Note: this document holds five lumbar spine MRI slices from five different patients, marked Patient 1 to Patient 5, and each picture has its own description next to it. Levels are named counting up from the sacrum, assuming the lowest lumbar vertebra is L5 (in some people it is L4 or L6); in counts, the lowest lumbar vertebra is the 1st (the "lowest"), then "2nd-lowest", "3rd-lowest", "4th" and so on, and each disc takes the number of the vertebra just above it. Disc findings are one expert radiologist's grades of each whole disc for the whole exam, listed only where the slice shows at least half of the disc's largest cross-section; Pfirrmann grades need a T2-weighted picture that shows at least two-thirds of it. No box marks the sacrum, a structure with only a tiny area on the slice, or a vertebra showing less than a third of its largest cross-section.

Patient 1 of 5:
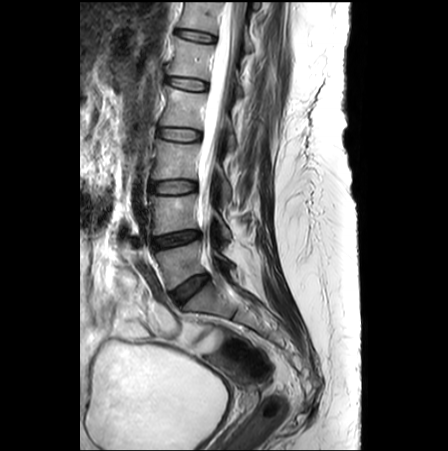
Slice spacing 3.3 mm. T2-weighted sagittal MRI of the lumbar spine. Slice 11/26. Patient sex: F.
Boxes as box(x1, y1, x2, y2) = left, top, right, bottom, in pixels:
{"L2 (4th vertebra)": "box(160, 86, 235, 149)", "L3 (3rd-lowest vertebra)": "box(152, 139, 230, 202)", "L1 (5th vertebra)": "box(166, 36, 245, 97)", "IVD L2/L3 (4th disc)": "box(158, 128, 201, 140)", "IVD T12/L1 (6th disc)": "box(177, 30, 215, 42)", "IVD L1/L2 (5th disc)": "box(167, 76, 206, 90)", "IVD L4/L5 (2nd-lowest disc)": "box(152, 231, 200, 248)", "L3/L4 (3rd-lowest disc)": "box(150, 181, 196, 193)", "T12 (6th vertebra)": "box(180, 2, 253, 51)", "L5 (lowest vertebra)": "box(155, 241, 233, 289)", "IVD L5/S1 (lowest disc)": "box(172, 274, 208, 303)", "L4 (2nd-lowest vertebra)": "box(149, 194, 231, 239)", "spinal canal": "box(199, 0, 244, 212)"}

Degenerative findings by level:
• L1/L2 (5th disc): Pfirrmann grade 1, Modic type II, upper-endplate change, lower-endplate change
• L5/S1 (lowest disc): Pfirrmann grade 3
• L4/L5 (2nd-lowest disc): Pfirrmann grade 4, disc narrowing
• T12/L1 (6th disc): Pfirrmann grade 1
• L3/L4 (3rd-lowest disc): Pfirrmann grade 1
• L2/L3 (4th disc): Pfirrmann grade 1

Patient 2 of 5:
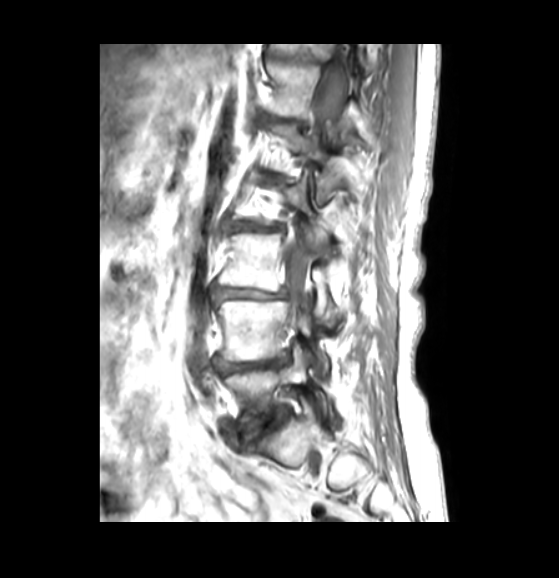
Sagittal T1-weighted lumbar spine MRI.
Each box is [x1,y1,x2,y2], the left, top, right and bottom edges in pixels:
{"6th disc": "[266,116,305,126]", "lowest vertebra": "[223,355,331,422]", "6th vertebra": "[263,61,366,130]", "5th vertebra": "[271,123,370,197]", "2nd-lowest disc": "[216,356,287,372]", "4th vertebra": "[230,179,356,247]", "3rd-lowest disc": "[215,287,284,298]", "3rd-lowest vertebra": "[220,233,344,326]", "thecal sac / spinal canal": "[283,62,346,316]", "4th disc": "[230,221,277,230]", "7th disc": "[268,53,321,63]", "7th vertebra": "[270,42,334,59]", "2nd-lowest vertebra": "[218,300,329,373]", "lowest disc": "[245,408,287,441]"}

Radiological gradings:
- 2nd-lowest disc: disc bulging
- 3rd-lowest disc: disc bulging, disc narrowing
- 7th disc: disc narrowing

Patient 3 of 5:
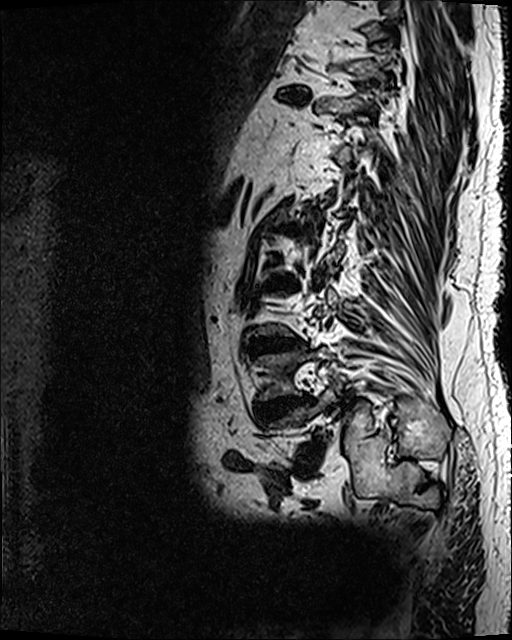 Image 512x640; Slice 34 of 120; MRI lumbar spine (T2 SPACE (3D)), sagittal plane
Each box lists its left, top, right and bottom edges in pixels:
2nd-lowest disc: left=254, top=395, right=314, bottom=423.
Lowest disc: left=296, top=443, right=323, bottom=474.
3rd-lowest disc: left=250, top=337, right=302, bottom=355.
4th disc: left=267, top=277, right=299, bottom=291.
5th disc: left=274, top=225, right=309, bottom=238.
2nd-lowest vertebra: left=254, top=347, right=331, bottom=400.
8th disc: left=277, top=86, right=309, bottom=103.

Radiological gradings:
  3rd-lowest disc: disc narrowing, Modic type II, lower-endplate change, disc bulging, upper-endplate change
  2nd-lowest disc: upper-endplate change, Modic type II, disc bulging, disc narrowing, lower-endplate change

Patient 4 of 5:
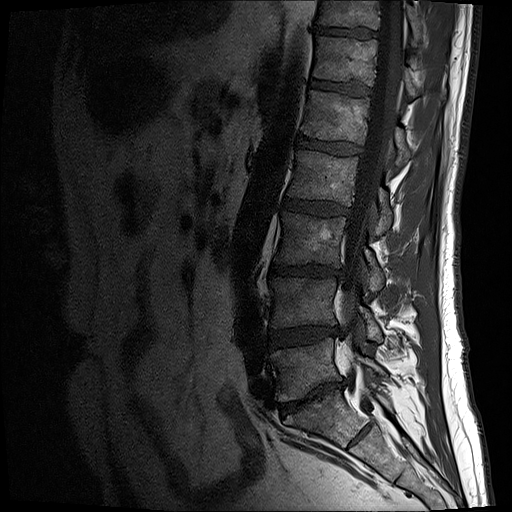 Lumbar spine MR, T1-weighted, sagittal, Slice 8 of 17

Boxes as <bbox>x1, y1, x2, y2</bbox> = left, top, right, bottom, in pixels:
4th disc at <bbox>283, 199, 349, 216</bbox>, 5th vertebra at <bbox>301, 90, 411, 165</bbox>, 2nd-lowest vertebra at <bbox>270, 278, 382, 341</bbox>, 7th vertebra at <bbox>316, 0, 423, 45</bbox>, lowest disc at <bbox>280, 381, 344, 415</bbox>, spinal canal at <bbox>340, 1, 405, 407</bbox>, 3rd-lowest vertebra at <bbox>274, 211, 383, 291</bbox>, 2nd-lowest disc at <bbox>270, 326, 337, 349</bbox>, 5th disc at <bbox>296, 136, 361, 155</bbox>, 7th disc at <bbox>314, 26, 377, 39</bbox>, 3rd-lowest disc at <bbox>270, 265, 343, 277</bbox>, 4th vertebra at <bbox>286, 150, 392, 234</bbox>, 6th vertebra at <bbox>313, 35, 445, 97</bbox>, 6th disc at <bbox>311, 80, 371, 95</bbox>, lowest vertebra at <bbox>271, 338, 386, 402</bbox>.

Per-level radiological findings:
• lowest disc: Modic type II, disc narrowing, disc bulging
• 2nd-lowest disc: disc bulging, disc narrowing
• 4th disc: disc bulging
• 3rd-lowest disc: disc narrowing, disc bulging, lower-endplate change
• 5th disc, 6th disc, 7th disc: no herniation, bulging, narrowing, spondylolisthesis, endplate or Modic change recorded

Patient 5 of 5:
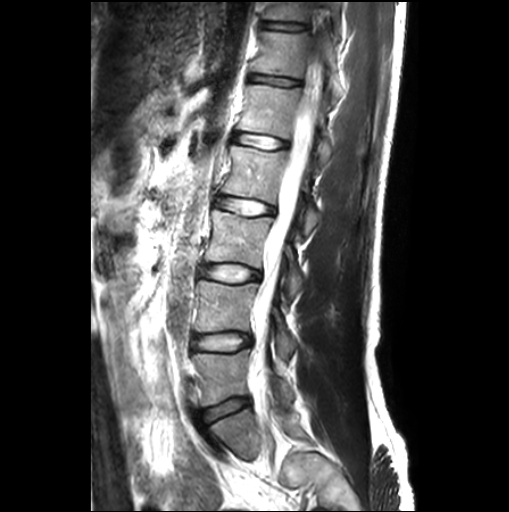 Slice 17 of 26. T2-weighted sagittal MRI of the lumbar spine.
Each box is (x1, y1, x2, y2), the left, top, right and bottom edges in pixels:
Segmented structures:
- IVD T12/L1: (249, 74, 301, 85)
- L1 vertebra: (237, 84, 331, 166)
- T11/T12: (259, 21, 307, 30)
- L3/L4: (201, 264, 258, 281)
- L3 vertebra: (205, 208, 303, 300)
- IVD L1/L2: (234, 133, 288, 149)
- L4/L5: (194, 333, 250, 348)
- L5/S1: (201, 398, 248, 421)
- L5: (192, 349, 291, 405)
- L2 vertebra: (222, 144, 319, 233)
- spinal canal: (252, 24, 328, 403)
- L4 vertebra: (194, 279, 296, 362)
- T12 vertebra: (251, 30, 342, 102)
- T11 vertebra: (264, 1, 340, 29)
- IVD L2/L3: (217, 196, 272, 214)

Per-level radiological findings:
- L5/S1: Pfirrmann grade 1
- L4/L5: Pfirrmann grade 1
- L3/L4: Pfirrmann grade 1
- T11/T12: Pfirrmann grade 1, upper-endplate change, lower-endplate change
- T12/L1: Pfirrmann grade 1, upper-endplate change, lower-endplate change
- L1/L2: Pfirrmann grade 1, Modic type II
- L2/L3: Pfirrmann grade 1